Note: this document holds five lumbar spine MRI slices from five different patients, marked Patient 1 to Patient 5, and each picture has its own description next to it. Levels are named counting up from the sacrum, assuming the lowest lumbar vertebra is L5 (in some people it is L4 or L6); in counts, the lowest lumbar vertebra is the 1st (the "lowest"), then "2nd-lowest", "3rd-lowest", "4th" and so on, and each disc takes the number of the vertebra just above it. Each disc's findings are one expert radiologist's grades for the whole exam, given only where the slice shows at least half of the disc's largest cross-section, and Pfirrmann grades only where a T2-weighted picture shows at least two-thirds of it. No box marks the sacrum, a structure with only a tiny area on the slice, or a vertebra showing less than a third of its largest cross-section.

Patient 1 of 5:
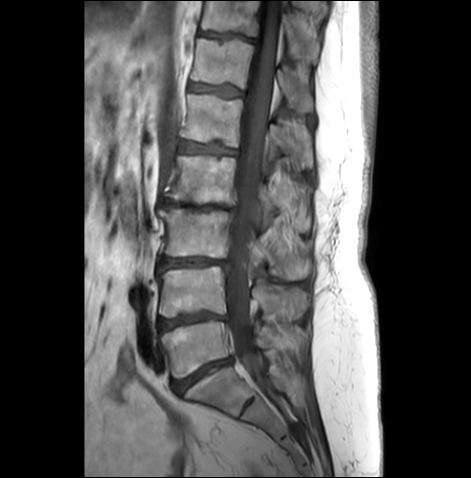

T1-weighted sagittal MRI of the lumbar spine | 471x478 px

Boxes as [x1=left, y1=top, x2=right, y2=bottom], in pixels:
Structures:
- L3: [x1=160, y1=207, x2=310, y2=279]
- L4 vertebra: [x1=159, y1=264, x2=308, y2=317]
- L5/S1: [x1=173, y1=358, x2=231, y2=392]
- L4/L5: [x1=159, y1=311, x2=226, y2=330]
- L1 vertebra: [x1=182, y1=94, x2=313, y2=166]
- thecal sac / spinal canal: [x1=227, y1=1, x2=280, y2=382]
- L3/L4: [x1=159, y1=256, x2=231, y2=270]
- L5: [x1=161, y1=319, x2=300, y2=376]
- T11 vertebra: [x1=202, y1=1, x2=319, y2=60]
- L2: [x1=168, y1=155, x2=310, y2=230]
- IVD L2/L3: [x1=162, y1=199, x2=236, y2=212]
- IVD L1/L2: [x1=179, y1=141, x2=235, y2=153]
- IVD T11/T12: [x1=199, y1=31, x2=257, y2=41]
- T12 vertebra: [x1=191, y1=38, x2=313, y2=110]
- T12/L1: [x1=189, y1=83, x2=242, y2=96]

Degenerative findings by level:
• L4/L5: disc narrowing, upper-endplate change, Modic type II, lower-endplate change, disc bulging
• L5/S1: disc narrowing, Modic type II, disc bulging
• T12/L1: disc bulging, lower-endplate change, upper-endplate change
• L3/L4: disc bulging, Modic type II, disc narrowing
• L2/L3: disc narrowing, Modic type II, disc bulging, upper-endplate change, lower-endplate change
• L1/L2: lower-endplate change, Modic type II, disc bulging, upper-endplate change
• T11/T12: lower-endplate change, disc bulging, upper-endplate change

Patient 2 of 5:
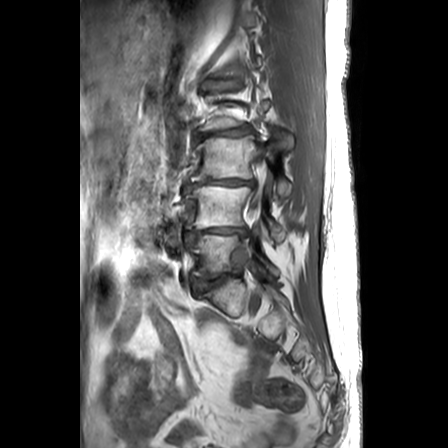 T1-weighted sagittal MRI of the lumbar spine. Slice 7/24.

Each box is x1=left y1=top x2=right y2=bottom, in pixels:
Annotations:
• 2nd-lowest vertebra: x1=186 y1=185 x2=284 y2=241
• thecal sac / spinal canal: x1=255 y1=195 x2=260 y2=204
• 3rd-lowest vertebra: x1=191 y1=131 x2=293 y2=197
• 3rd-lowest disc: x1=184 y1=179 x2=254 y2=190
• 5th disc: x1=203 y1=78 x2=239 y2=91
• 4th disc: x1=194 y1=125 x2=254 y2=142
• lowest vertebra: x1=192 y1=225 x2=278 y2=278
• lowest disc: x1=193 y1=269 x2=240 y2=290
• 2nd-lowest disc: x1=186 y1=228 x2=248 y2=241

Radiological gradings:
- 5th disc: disc bulging
- 4th disc: disc bulging, upper-endplate change, lower-endplate change, disc narrowing
- 3rd-lowest disc: disc narrowing, upper-endplate change, disc bulging, lower-endplate change, Modic type II
- 2nd-lowest disc: disc bulging, lower-endplate change, upper-endplate change, Modic type II, disc narrowing

Patient 3 of 5:
Slice 5 of 17; Sagittal T1-weighted lumbar spine MRI
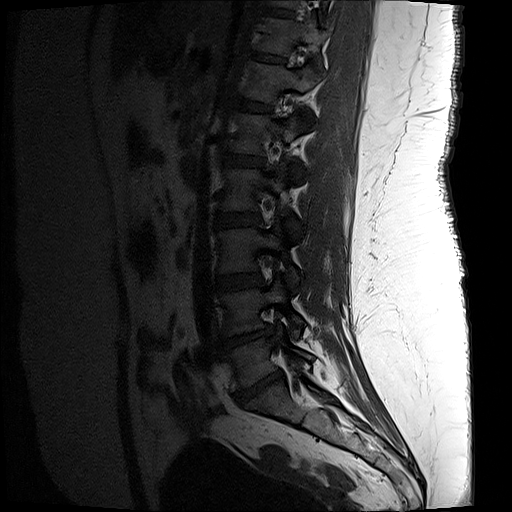
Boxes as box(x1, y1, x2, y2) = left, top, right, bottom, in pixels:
IVD L4/L5 (2nd-lowest disc): box(222, 326, 273, 348) | IVD L1/L2 (5th disc): box(226, 154, 262, 166) | T11 (7th vertebra): box(258, 18, 329, 55) | L5 (lowest vertebra): box(225, 324, 314, 389) | IVD T12/L1 (6th disc): box(240, 100, 270, 111) | L3/L4 (3rd-lowest disc): box(219, 274, 262, 289) | L3 (3rd-lowest vertebra): box(219, 219, 300, 289) | T12 (6th vertebra): box(246, 61, 320, 102) | IVD L5/S1 (lowest disc): box(235, 371, 282, 403) | L4 (2nd-lowest vertebra): box(221, 277, 302, 336) | L2 (4th vertebra): box(221, 164, 304, 210) | T10/T11 (8th disc): box(267, 9, 292, 16) | T10 (8th vertebra): box(272, 0, 328, 7) | IVD T11/T12 (7th disc): box(254, 53, 285, 63) | L1 (5th vertebra): box(232, 113, 311, 154) | IVD L2/L3 (4th disc): box(217, 213, 259, 226)

Degenerative findings by level:
• T11/T12 (7th disc): lower-endplate change
• L2/L3 (4th disc): lower-endplate change, upper-endplate change
• L4/L5 (2nd-lowest disc): disc narrowing, lower-endplate change, Modic type II, disc herniation, upper-endplate change
• L1/L2 (5th disc): lower-endplate change
• L5/S1 (lowest disc): lower-endplate change, upper-endplate change, disc narrowing, Modic type II, disc herniation
• L3/L4 (3rd-lowest disc), T12/L1 (6th disc): no Modic or endplate change, herniation, narrowing, bulging or spondylolisthesis recorded

Patient 4 of 5:
T2 SPACE (3D) sagittal MRI of the lumbar spine
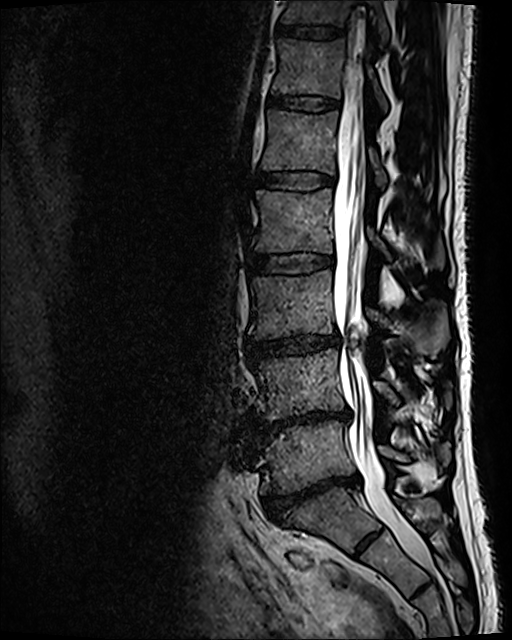

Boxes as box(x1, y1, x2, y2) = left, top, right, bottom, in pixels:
5th vertebra: box(261, 109, 386, 184).
3rd-lowest vertebra: box(249, 270, 449, 356).
2nd-lowest disc: box(251, 410, 348, 432).
3rd-lowest disc: box(246, 335, 340, 357).
Spinal canal: box(333, 49, 431, 568).
4th vertebra: box(255, 189, 444, 268).
7th vertebra: box(279, 0, 389, 46).
6th disc: box(269, 95, 338, 111).
5th disc: box(257, 171, 333, 190).
4th disc: box(250, 254, 333, 273).
2nd-lowest vertebra: box(255, 349, 450, 420).
7th disc: box(275, 25, 344, 40).
6th vertebra: box(271, 40, 387, 111).
Lowest disc: box(263, 474, 360, 522).
Lowest vertebra: box(257, 421, 450, 494).

Per-level radiological findings:
  4th disc: Pfirrmann grade 2
  2nd-lowest disc: Modic type II, disc narrowing, lower-endplate change, disc bulging
  3rd-lowest disc: Pfirrmann grade 3, disc bulging, disc narrowing
  6th disc: Pfirrmann grade 2
  5th disc: Pfirrmann grade 2
  lowest disc: Pfirrmann grade 5, disc narrowing, spondylolisthesis, disc bulging, lower-endplate change
  7th disc: Pfirrmann grade 2

Patient 5 of 5:
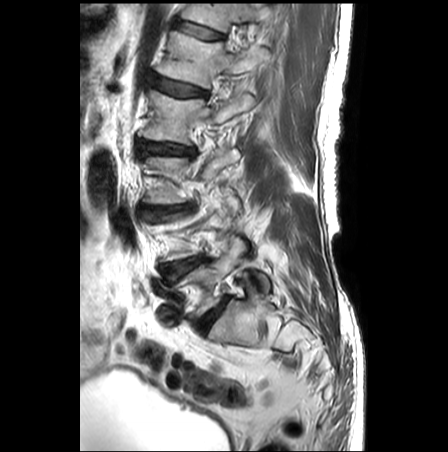 Sex M | Sagittal slice index 6 | T2-weighted sagittal MRI of the lumbar spine
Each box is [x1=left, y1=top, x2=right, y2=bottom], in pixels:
Annotations:
* L5 = [x1=181, y1=239, x2=269, y2=315]
* L3/L4 = [x1=141, y1=204, x2=187, y2=216]
* T12/L1 = [x1=174, y1=20, x2=221, y2=39]
* T12 = [x1=182, y1=4, x2=272, y2=31]
* disc L1/L2 = [x1=149, y1=73, x2=206, y2=96]
* disc L4/L5 = [x1=164, y1=256, x2=203, y2=281]
* L2 vertebra = [x1=144, y1=91, x2=253, y2=144]
* L5/S1 = [x1=199, y1=298, x2=228, y2=331]
* disc L2/L3 = [x1=138, y1=141, x2=194, y2=156]
* L1 = [x1=158, y1=31, x2=269, y2=88]

Degenerative findings by level:
• T12/L1: Pfirrmann grade 1
• L2/L3: Pfirrmann grade 3, disc bulging
• L4/L5: disc bulging
• L1/L2: Pfirrmann grade 2, Modic type II, disc bulging, lower-endplate change, upper-endplate change